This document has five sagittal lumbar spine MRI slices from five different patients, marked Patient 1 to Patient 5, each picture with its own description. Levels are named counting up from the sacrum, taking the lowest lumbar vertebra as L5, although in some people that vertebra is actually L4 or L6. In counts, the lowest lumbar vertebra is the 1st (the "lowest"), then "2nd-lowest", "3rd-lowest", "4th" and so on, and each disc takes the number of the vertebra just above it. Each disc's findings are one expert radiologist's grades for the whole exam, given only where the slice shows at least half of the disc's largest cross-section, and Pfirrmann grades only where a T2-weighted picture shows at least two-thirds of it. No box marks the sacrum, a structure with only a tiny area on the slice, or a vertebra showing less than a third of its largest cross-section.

Patient 1 of 5:
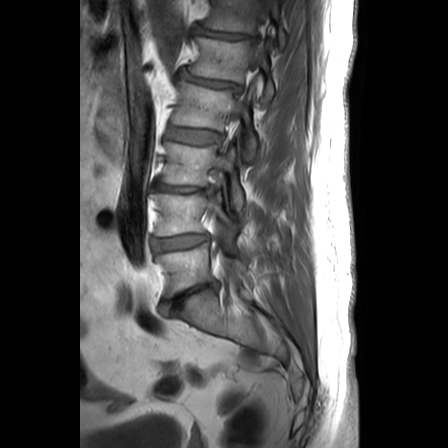 Lumbar spine MR, T1-weighted, sagittal; Sex M; 448x448 px

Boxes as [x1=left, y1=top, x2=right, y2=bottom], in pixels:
2nd-lowest vertebra: [x1=152, y1=193, x2=238, y2=235] | spinal canal: [x1=235, y1=47, x2=262, y2=116] | 4th vertebra: [x1=172, y1=81, x2=256, y2=160] | 3rd-lowest disc: [x1=154, y1=182, x2=214, y2=193] | lowest vertebra: [x1=157, y1=243, x2=248, y2=297] | 3rd-lowest vertebra: [x1=161, y1=142, x2=243, y2=210] | 6th vertebra: [x1=201, y1=0, x2=286, y2=47] | lowest disc: [x1=159, y1=282, x2=217, y2=314] | 5th disc: [x1=178, y1=70, x2=240, y2=91] | 2nd-lowest disc: [x1=152, y1=234, x2=207, y2=250] | 5th vertebra: [x1=188, y1=37, x2=274, y2=100] | 4th disc: [x1=168, y1=127, x2=222, y2=144] | 6th disc: [x1=194, y1=26, x2=252, y2=39]

Radiological gradings:
  6th disc: disc bulging, disc narrowing
  3rd-lowest disc: disc narrowing, disc herniation
  lowest disc: disc bulging, disc narrowing
  2nd-lowest disc: disc bulging
  5th disc: disc narrowing, disc bulging
  4th disc: no Modic or endplate change, herniation, narrowing, bulging or spondylolisthesis recorded

Patient 2 of 5:
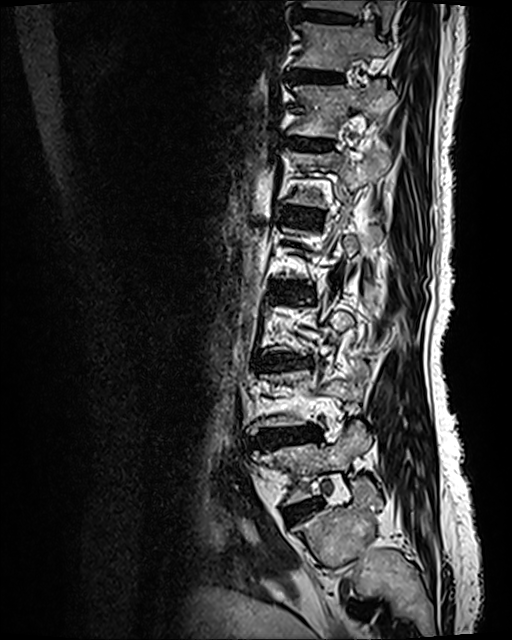
T2 SPACE (3D) sagittal MRI of the lumbar spine

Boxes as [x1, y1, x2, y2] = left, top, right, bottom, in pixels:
{"L1 vertebra": "[286, 148, 390, 208]", "intervertebral disc T10/T11": "[297, 11, 351, 21]", "T11": "[293, 21, 388, 71]", "T12": "[288, 82, 395, 137]", "T12/L1": "[286, 138, 331, 150]", "L5/S1": "[292, 506, 314, 521]", "L1/L2": "[280, 207, 320, 226]", "L5": "[257, 422, 370, 504]", "L2/L3": "[276, 283, 313, 299]", "T10 vertebra": "[301, 0, 394, 30]", "intervertebral disc L4/L5": "[255, 429, 318, 446]", "intervertebral disc T11/T12": "[290, 69, 340, 80]", "intervertebral disc L3/L4": "[258, 354, 306, 369]"}

Degenerative findings by level:
  T10/T11: Pfirrmann grade 2, lower-endplate change, upper-endplate change
  T11/T12: upper-endplate change, lower-endplate change, Modic type II
  L4/L5: disc narrowing, lower-endplate change, disc bulging, Modic type II, upper-endplate change
  L1/L2: Modic type II, upper-endplate change, lower-endplate change
  T12/L1: Modic type II, upper-endplate change, lower-endplate change

Patient 3 of 5:
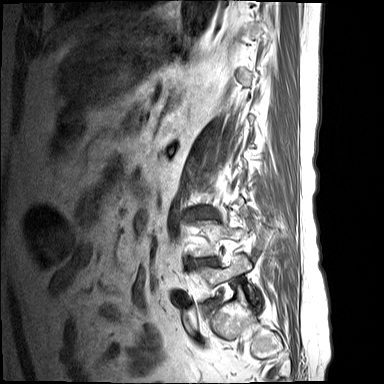 384x384 px | MRI lumbar spine (T1-weighted), sagittal plane
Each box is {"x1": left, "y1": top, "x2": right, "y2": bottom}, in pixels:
lowest vertebra: {"x1": 196, "y1": 255, "x2": 253, "y2": 298}
2nd-lowest disc: {"x1": 188, "y1": 257, "x2": 218, "y2": 265}
3rd-lowest disc: {"x1": 195, "y1": 211, "x2": 218, "y2": 218}

Patient 4 of 5:
Slice 111/120. MRI lumbar spine (T2 SPACE (3D)), sagittal plane. Field of view 240x300 mm, slice spacing 0.9 mm.
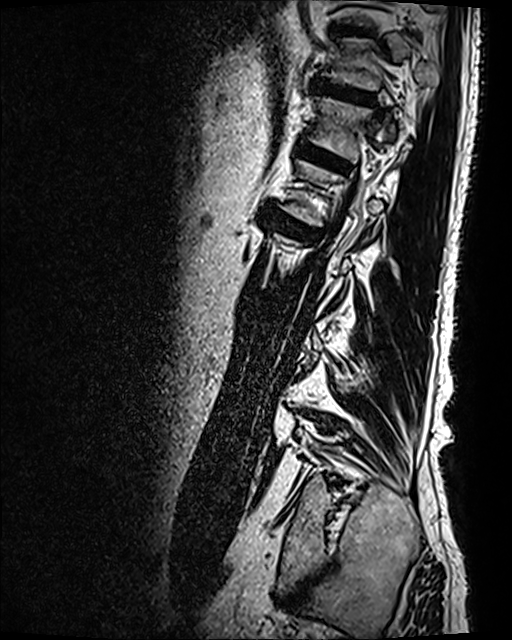
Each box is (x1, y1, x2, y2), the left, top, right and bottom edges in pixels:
Annotations:
* T11/T12 (7th disc): (314, 78, 373, 102)
* T10/T11 (8th disc): (331, 26, 371, 35)
* disc L1/L2 (5th disc): (274, 211, 320, 237)
* T12/L1 (6th disc): (302, 143, 347, 170)
* T12 (6th vertebra): (310, 97, 409, 161)

Expert MSK radiologist gradings (per disc):
• L1/L2 (5th disc): Modic type II, disc bulging, upper-endplate change, lower-endplate change
• T11/T12 (7th disc): Pfirrmann grade 4, lower-endplate change, upper-endplate change, disc bulging

Patient 5 of 5:
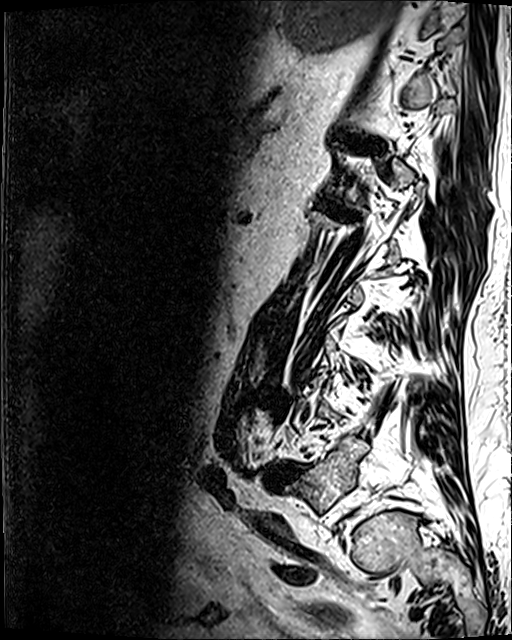 MRI lumbar spine (T2 SPACE (3D)), sagittal plane
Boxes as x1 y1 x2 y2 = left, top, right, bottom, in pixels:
L5 = 286 442 364 512 | disc L4/L5 = 268 466 301 485